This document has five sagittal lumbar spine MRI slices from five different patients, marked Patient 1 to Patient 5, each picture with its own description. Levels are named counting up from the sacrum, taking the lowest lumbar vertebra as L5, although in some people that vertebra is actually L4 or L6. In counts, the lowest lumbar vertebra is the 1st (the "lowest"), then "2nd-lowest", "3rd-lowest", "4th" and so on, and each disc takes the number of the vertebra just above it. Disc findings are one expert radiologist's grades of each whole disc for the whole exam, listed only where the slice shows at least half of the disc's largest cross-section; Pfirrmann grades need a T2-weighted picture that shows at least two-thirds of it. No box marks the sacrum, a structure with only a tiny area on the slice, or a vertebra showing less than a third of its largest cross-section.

Patient 1 of 5:
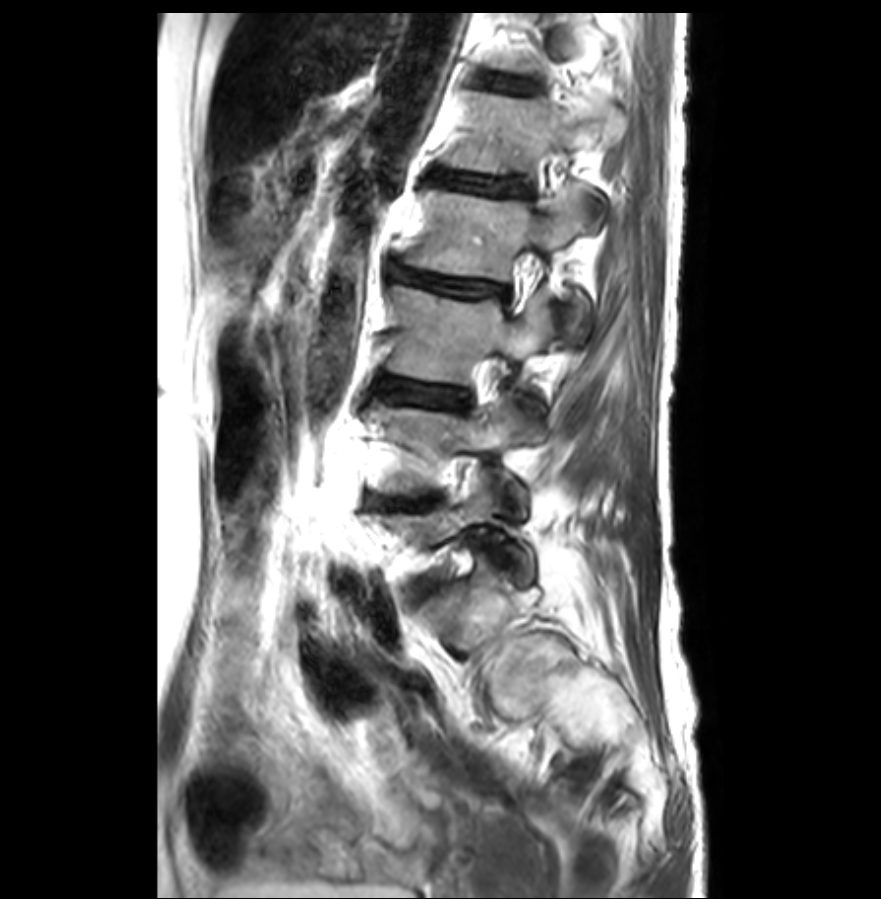
MRI lumbar spine (T2-weighted), sagittal plane

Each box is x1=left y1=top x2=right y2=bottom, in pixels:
L3 (3rd-lowest vertebra): x1=387 y1=285 x2=550 y2=382.
L1/L2 (5th disc): x1=431 y1=170 x2=528 y2=195.
L4/L5 (2nd-lowest disc): x1=366 y1=492 x2=438 y2=509.
L4 (2nd-lowest vertebra): x1=372 y1=393 x2=536 y2=512.
L2 (4th vertebra): x1=405 y1=183 x2=589 y2=345.
L3/L4 (3rd-lowest disc): x1=376 y1=376 x2=467 y2=407.
Intervertebral disc L2/L3 (4th disc): x1=391 y1=264 x2=506 y2=297.
L1 (5th vertebra): x1=445 y1=92 x2=623 y2=174.
Intervertebral disc T12/L1 (6th disc): x1=484 y1=75 x2=536 y2=91.

Expert MSK radiologist gradings (per disc):
- L2/L3 (4th disc): Pfirrmann grade 5, upper-endplate change, disc bulging, Modic type II, lower-endplate change, disc narrowing, disc herniation
- L1/L2 (5th disc): Pfirrmann grade 2, Modic type II, upper-endplate change, lower-endplate change
- L4/L5 (2nd-lowest disc): Modic type II, disc narrowing, disc bulging
- L3/L4 (3rd-lowest disc): Pfirrmann grade 3, disc bulging, Modic type II

Patient 2 of 5:
Lumbar spine MR, T2-weighted, sagittal. 448x455 px. Slice 18 of 30.
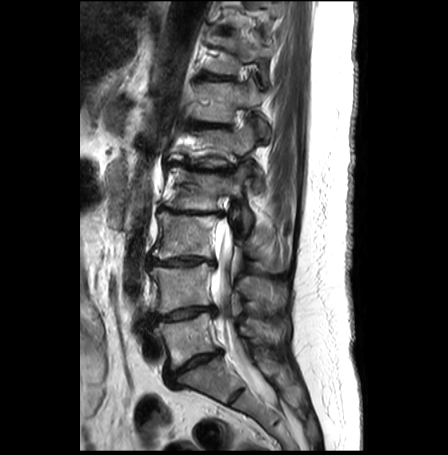
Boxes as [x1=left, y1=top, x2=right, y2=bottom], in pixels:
3rd-lowest vertebra: [x1=152, y1=211, x2=288, y2=271].
5th disc: [x1=170, y1=161, x2=233, y2=173].
7th vertebra: [x1=207, y1=36, x2=273, y2=81].
6th vertebra: [x1=193, y1=81, x2=268, y2=136].
2nd-lowest disc: [x1=148, y1=305, x2=216, y2=325].
Lowest disc: [x1=165, y1=350, x2=222, y2=386].
6th disc: [x1=191, y1=122, x2=229, y2=127].
7th disc: [x1=202, y1=73, x2=232, y2=80].
Spinal canal: [x1=210, y1=219, x2=269, y2=394].
8th disc: [x1=217, y1=28, x2=231, y2=32].
4th vertebra: [x1=164, y1=167, x2=253, y2=233].
5th vertebra: [x1=171, y1=126, x2=263, y2=189].
4th disc: [x1=158, y1=206, x2=223, y2=216].
3rd-lowest disc: [x1=148, y1=256, x2=215, y2=266].
Lowest vertebra: [x1=154, y1=313, x2=287, y2=369].
2nd-lowest vertebra: [x1=150, y1=263, x2=284, y2=312].

Degenerative findings by level:
- 7th disc: disc bulging
- 3rd-lowest disc: Pfirrmann grade 5, Modic type II, lower-endplate change, disc bulging, disc narrowing, upper-endplate change
- lowest disc: Pfirrmann grade 4, upper-endplate change, Modic type II, lower-endplate change, disc narrowing, disc bulging
- 5th disc: upper-endplate change, Modic type II, disc bulging, disc narrowing, lower-endplate change
- 2nd-lowest disc: Pfirrmann grade 3, disc bulging, Modic type II, disc narrowing, disc herniation, upper-endplate change, lower-endplate change
- 6th disc: lower-endplate change, disc narrowing, disc bulging, upper-endplate change, Modic type II

Patient 3 of 5:
Lumbar spine MR, T2-weighted, sagittal.

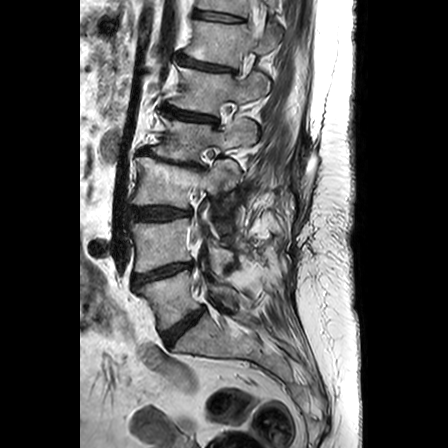 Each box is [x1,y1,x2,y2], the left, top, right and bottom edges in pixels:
L5/S1 — [163,308,204,345].
L5 — [137,270,237,329].
L4 vertebra — [132,218,233,275].
Intervertebral disc T11/T12 — [195,10,240,21].
L1 — [171,66,269,114].
Intervertebral disc L1/L2 — [167,106,215,122].
T12 vertebra — [185,20,277,67].
L2 vertebra — [152,118,256,161].
L3 — [133,157,239,219].
T11 vertebra — [198,0,276,16].
Intervertebral disc L2/L3 — [140,150,202,168].
Intervertebral disc L3/L4 — [131,207,190,219].
Intervertebral disc T12/L1 — [178,56,234,72].
L4/L5 — [134,263,192,285].

Expert MSK radiologist gradings (per disc):
- L3/L4: Pfirrmann grade 3, disc bulging
- L1/L2: Pfirrmann grade 3, disc narrowing, Modic type II
- L4/L5: Pfirrmann grade 4, disc narrowing, disc bulging
- T11/T12: Pfirrmann grade 1
- L5/S1: Pfirrmann grade 3, disc bulging
- T12/L1: Pfirrmann grade 3, disc narrowing

Patient 4 of 5:
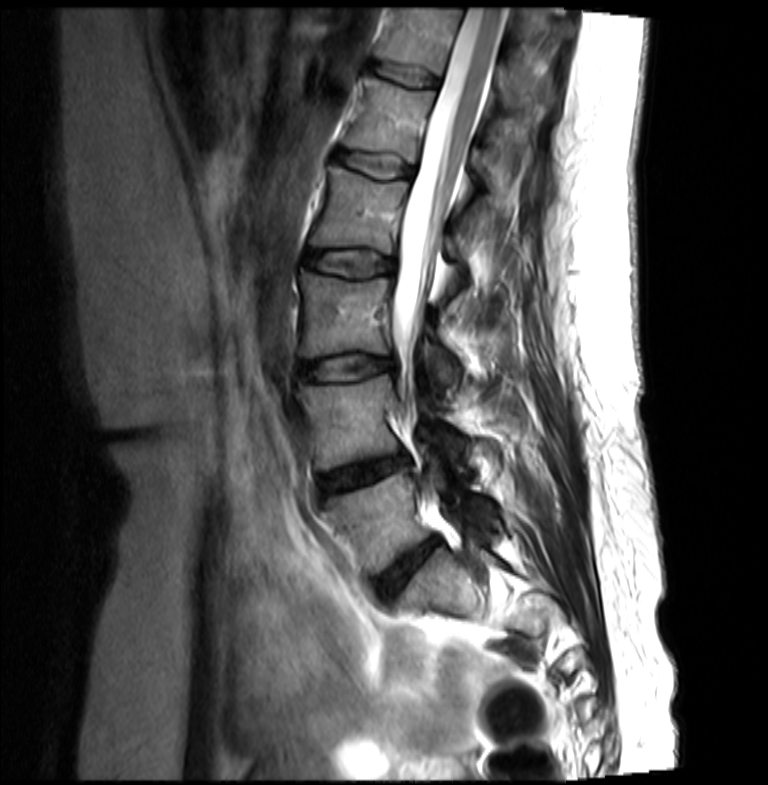
768x785 px | Lumbar spine MR, T2-weighted, sagittal | Sagittal slice index 10 | Field of view 280x286 mm | Patient sex: F
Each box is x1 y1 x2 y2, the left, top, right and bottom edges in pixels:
* disc L3/L4 (3rd-lowest disc) = 300 356 394 380
* disc L4/L5 (2nd-lowest disc) = 319 457 407 491
* T12 (6th vertebra) = 374 8 543 110
* L1 (5th vertebra) = 344 76 508 193
* L4 (2nd-lowest vertebra) = 296 374 466 471
* L5 (lowest vertebra) = 324 465 447 572
* disc L5/S1 (lowest disc) = 377 538 437 598
* L1/L2 (5th disc) = 335 149 412 178
* L3 (3rd-lowest vertebra) = 300 270 457 385
* L2 (4th vertebra) = 311 167 462 259
* spinal canal = 394 8 503 401
* disc L2/L3 (4th disc) = 306 250 394 277
* T12/L1 (6th disc) = 370 61 439 87

Radiological gradings:
- T12/L1 (6th disc): Pfirrmann grade 2
- L3/L4 (3rd-lowest disc): Pfirrmann grade 2, disc bulging
- L2/L3 (4th disc): Pfirrmann grade 2
- L4/L5 (2nd-lowest disc): disc herniation
- L1/L2 (5th disc): Pfirrmann grade 2

Patient 5 of 5:
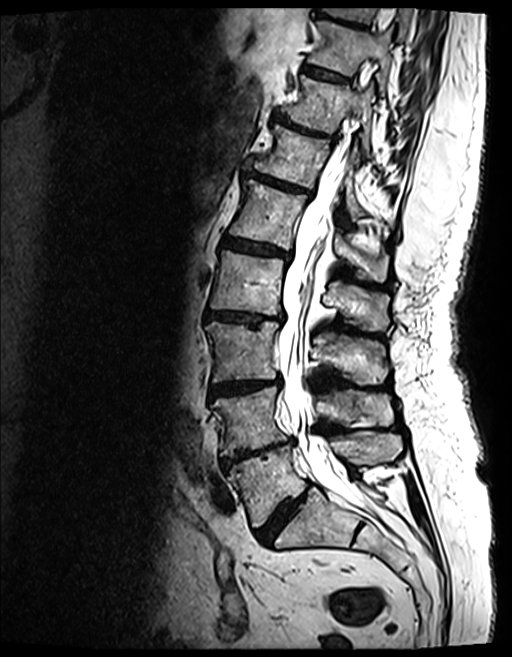

Slice 75/154, T2 SPACE (3D) sagittal MRI of the lumbar spine
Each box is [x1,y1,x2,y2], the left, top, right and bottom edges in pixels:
5th vertebra — [229,180,388,281].
7th vertebra — [281,76,373,155].
Thecal sac / spinal canal — [278,69,374,515].
Lowest disc — [256,485,310,544].
2nd-lowest vertebra — [212,387,393,455].
3rd-lowest vertebra — [206,322,387,384].
6th vertebra — [248,125,394,227].
Lowest vertebra — [228,434,402,526].
3rd-lowest disc — [211,380,279,395].
5th disc — [224,238,289,259].
8th vertebra — [307,20,392,89].
6th disc — [246,171,312,197].
9th vertebra — [328,7,411,38].
7th disc — [273,113,335,141].
4th disc — [206,310,283,323].
4th vertebra — [211,250,388,330].
9th disc — [318,7,366,28].
8th disc — [302,65,350,82].
2nd-lowest disc — [221,439,294,468].

Degenerative findings by level:
• lowest disc: Pfirrmann grade 4, disc narrowing, disc bulging
• 4th disc: Pfirrmann grade 4, upper-endplate change, disc bulging, lower-endplate change, disc narrowing, Modic type II
• 3rd-lowest disc: Pfirrmann grade 4, disc bulging, Modic type II, upper-endplate change, lower-endplate change, disc narrowing
• 2nd-lowest disc: lower-endplate change, Modic type II, upper-endplate change, disc narrowing, disc bulging
• 8th disc: Pfirrmann grade 4, Modic type II, upper-endplate change, lower-endplate change
• 5th disc: Pfirrmann grade 4, disc bulging, disc narrowing, upper-endplate change, lower-endplate change, Modic type II
• 6th disc: Pfirrmann grade 4, Modic type II, upper-endplate change, disc narrowing, lower-endplate change, disc bulging
• 7th disc: Pfirrmann grade 5, disc narrowing, upper-endplate change, Modic type II, disc bulging, lower-endplate change